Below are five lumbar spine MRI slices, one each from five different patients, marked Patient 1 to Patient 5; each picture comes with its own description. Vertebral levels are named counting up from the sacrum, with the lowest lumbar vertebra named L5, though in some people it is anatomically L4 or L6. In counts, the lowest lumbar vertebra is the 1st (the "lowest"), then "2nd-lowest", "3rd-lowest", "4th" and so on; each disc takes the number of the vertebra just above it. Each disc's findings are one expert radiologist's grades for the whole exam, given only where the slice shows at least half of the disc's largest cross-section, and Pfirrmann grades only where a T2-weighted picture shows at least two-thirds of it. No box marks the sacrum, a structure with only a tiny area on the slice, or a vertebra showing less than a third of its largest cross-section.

Patient 1 of 5:
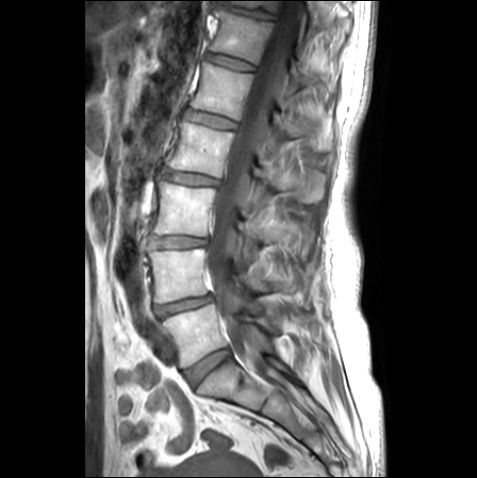 T1-weighted sagittal MRI of the lumbar spine, 477x478 px, Patient sex: F, Slice 15/25
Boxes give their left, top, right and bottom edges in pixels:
{"6th disc": "left=207, top=52, right=253, bottom=71", "lowest disc": "left=184, top=349, right=229, bottom=386", "4th vertebra": "left=166, top=120, right=325, bottom=203", "7th vertebra": "left=222, top=0, right=323, bottom=25", "2nd-lowest vertebra": "left=150, top=249, right=274, bottom=302", "2nd-lowest disc": "left=155, top=295, right=213, bottom=318", "lowest vertebra": "left=163, top=304, right=278, bottom=367", "spinal canal": "left=207, top=0, right=299, bottom=371", "5th disc": "left=185, top=109, right=236, bottom=129", "4th disc": "left=162, top=168, right=218, bottom=186", "6th vertebra": "left=210, top=9, right=335, bottom=90", "3rd-lowest disc": "left=151, top=236, right=206, bottom=247", "5th vertebra": "left=191, top=63, right=333, bottom=150", "3rd-lowest vertebra": "left=153, top=175, right=308, bottom=249", "7th disc": "left=215, top=2, right=275, bottom=21"}

Per-level radiological findings:
• 3rd-lowest disc: disc narrowing, disc bulging
• 5th disc: lower-endplate change, upper-endplate change
• 7th disc: upper-endplate change, lower-endplate change, disc narrowing
• 4th disc: disc bulging, upper-endplate change, lower-endplate change
• 2nd-lowest disc: lower-endplate change, disc narrowing, upper-endplate change, disc bulging
• 6th disc: upper-endplate change, lower-endplate change
• lowest disc: no Modic or endplate change, herniation, narrowing, bulging or spondylolisthesis recorded

Patient 2 of 5:
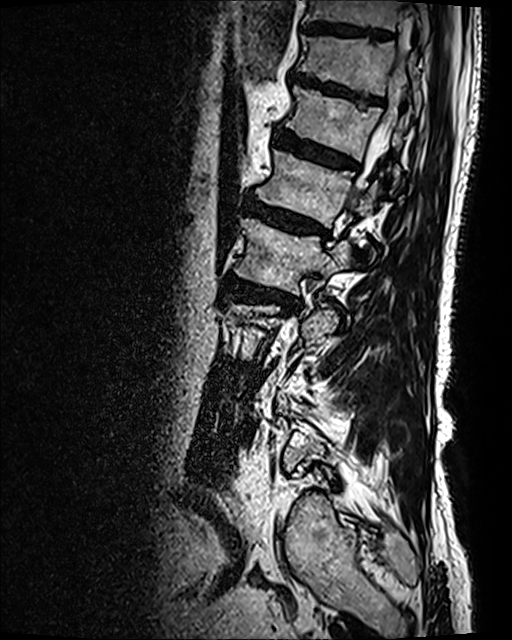

T2 SPACE (3D) sagittal MRI of the lumbar spine
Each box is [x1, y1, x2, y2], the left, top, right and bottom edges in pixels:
T10: [305, 0, 429, 46].
L2 vertebra: [235, 218, 350, 294].
Thecal sac / spinal canal: [358, 57, 406, 188].
T10/T11: [303, 22, 391, 39].
T12: [285, 86, 407, 177].
Disc T12/L1: [274, 127, 359, 171].
L1: [256, 151, 378, 227].
L1/L2: [245, 199, 328, 236].
T11/T12: [290, 69, 384, 104].
T11: [299, 36, 421, 110].
L2/L3: [226, 274, 297, 309].

Per-level radiological findings:
- T11/T12: Pfirrmann grade 4, lower-endplate change, upper-endplate change, disc bulging
- L2/L3: Pfirrmann grade 4, upper-endplate change, lower-endplate change, Modic type I, disc bulging, disc narrowing
- L1/L2: Pfirrmann grade 4, disc bulging, Modic type II, lower-endplate change, upper-endplate change
- T12/L1: Pfirrmann grade 4, Modic type II, lower-endplate change, upper-endplate change, disc bulging
- T10/T11: Pfirrmann grade 3

Patient 3 of 5:
Sagittal slice index 71 | Lumbar spine MR, T2 SPACE (3D), sagittal | Field of view 240x300 mm | Patient sex: F
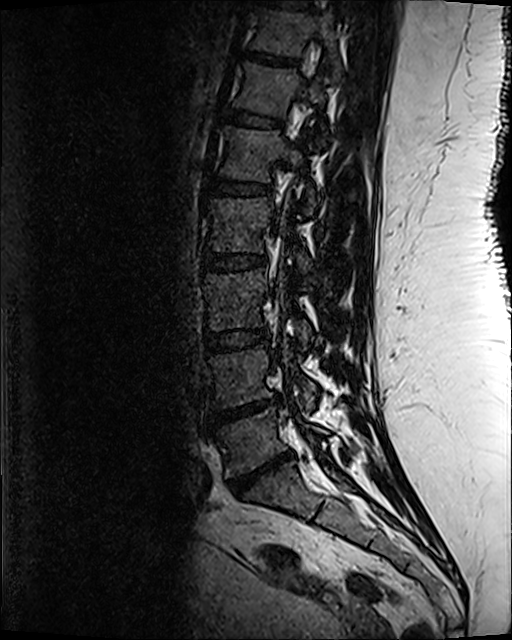
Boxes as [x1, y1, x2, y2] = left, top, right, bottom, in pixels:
L4 = [211, 340, 316, 409].
L1 vertebra = [220, 127, 316, 212].
L3 vertebra = [206, 270, 311, 348].
Intervertebral disc T12/L1 = [224, 109, 281, 127].
T12 vertebra = [235, 63, 326, 134].
Intervertebral disc L1/L2 = [207, 178, 270, 194].
L2/L3 = [202, 254, 265, 271].
T10/T11 = [260, 0, 310, 8].
T11/T12 = [245, 51, 296, 65].
L5 vertebra = [219, 408, 327, 475].
L3/L4 = [205, 330, 269, 351].
L5/S1 = [227, 454, 290, 495].
T11 vertebra = [253, 9, 340, 76].
L4/L5 = [212, 402, 268, 423].
L2 = [209, 195, 311, 271].

Expert MSK radiologist gradings (per disc):
- T12/L1: Pfirrmann grade 3
- L3/L4: Pfirrmann grade 3
- L2/L3: Pfirrmann grade 3, lower-endplate change, upper-endplate change
- L5/S1: Pfirrmann grade 5, disc herniation, disc narrowing, upper-endplate change, Modic type II, lower-endplate change
- T11/T12: Pfirrmann grade 3, lower-endplate change
- L1/L2: Pfirrmann grade 3, lower-endplate change

Patient 4 of 5:
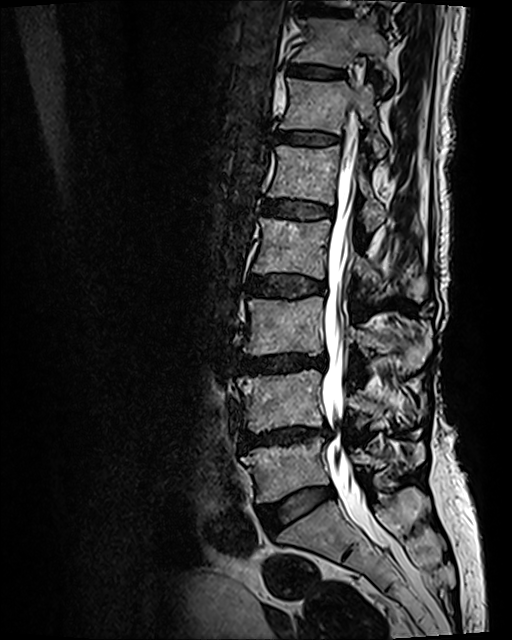

Lumbar spine MR, T2 SPACE (3D), sagittal | 512x640 px
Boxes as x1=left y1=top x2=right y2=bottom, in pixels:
Spinal canal at x1=322 y1=111 x2=388 y2=550, L3 at x1=242 y1=296 x2=430 y2=369, T12 vertebra at x1=280 y1=79 x2=387 y2=158, L2 vertebra at x1=253 y1=218 x2=426 y2=302, disc T10/T11 at x1=304 y1=5 x2=347 y2=15, T12/L1 at x1=276 y1=131 x2=338 y2=145, L3/L4 at x1=238 y1=354 x2=326 y2=372, L1/L2 at x1=263 y1=200 x2=333 y2=219, disc L2/L3 at x1=251 y1=275 x2=326 y2=298, disc L5/S1 at x1=259 y1=488 x2=333 y2=530, L4 at x1=237 y1=369 x2=425 y2=431, L1 vertebra at x1=267 y1=145 x2=386 y2=232, L5 at x1=242 y1=437 x2=424 y2=502, L4/L5 at x1=241 y1=425 x2=329 y2=449, T11 at x1=293 y1=13 x2=392 y2=91, disc T11/T12 at x1=289 y1=64 x2=343 y2=78.

Radiological gradings:
  L1/L2: Pfirrmann grade 3, lower-endplate change, upper-endplate change, Modic type II
  T12/L1: Pfirrmann grade 2, upper-endplate change, Modic type II, lower-endplate change
  L2/L3: Pfirrmann grade 3, lower-endplate change, disc bulging, Modic type II, upper-endplate change
  L4/L5: Pfirrmann grade 4, disc bulging, upper-endplate change, Modic type II, lower-endplate change, disc narrowing
  T11/T12: Pfirrmann grade 2, upper-endplate change, Modic type II, lower-endplate change
  L5/S1: Pfirrmann grade 2, disc bulging
  L3/L4: Pfirrmann grade 4, disc bulging, disc narrowing, lower-endplate change, Modic type II, upper-endplate change

Patient 5 of 5:
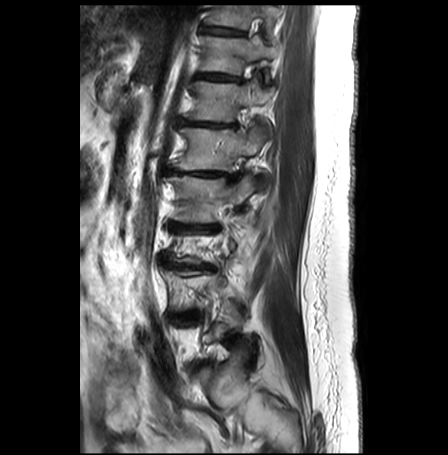 Field of view 280x284 mm. T2-weighted sagittal MRI of the lumbar spine.

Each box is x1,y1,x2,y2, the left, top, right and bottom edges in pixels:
Intervertebral disc T12/L1 at 181,120,234,127; T10 at 207,5,281,33; L2/L3 at 171,222,217,233; T11 at 200,36,282,81; T12 vertebra at 186,81,273,131; intervertebral disc L3/L4 at 164,262,214,270; T10/T11 at 203,26,243,35; intervertebral disc L1/L2 at 167,168,230,179; T11/T12 at 196,73,237,80; L1 at 173,127,268,189; L2 vertebra at 169,174,254,222.

Per-level radiological findings:
  L1/L2: Pfirrmann grade 5, disc narrowing, Modic type II, lower-endplate change, upper-endplate change, disc bulging
  T11/T12: Pfirrmann grade 2, disc bulging
  T12/L1: Pfirrmann grade 4, lower-endplate change, upper-endplate change, disc bulging, disc narrowing, Modic type II
  L2/L3: Pfirrmann grade 5, lower-endplate change, disc bulging, disc narrowing, Modic type II, upper-endplate change
  T10/T11: Pfirrmann grade 1